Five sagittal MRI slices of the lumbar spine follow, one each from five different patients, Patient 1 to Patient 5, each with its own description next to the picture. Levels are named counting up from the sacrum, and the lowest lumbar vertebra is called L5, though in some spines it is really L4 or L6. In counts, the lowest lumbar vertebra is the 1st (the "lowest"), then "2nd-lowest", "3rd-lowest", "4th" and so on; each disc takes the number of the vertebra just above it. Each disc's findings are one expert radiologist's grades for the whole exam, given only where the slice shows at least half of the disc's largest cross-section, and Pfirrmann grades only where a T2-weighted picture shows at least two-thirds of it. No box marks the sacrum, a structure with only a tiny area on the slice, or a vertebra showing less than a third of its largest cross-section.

Patient 1 of 5:
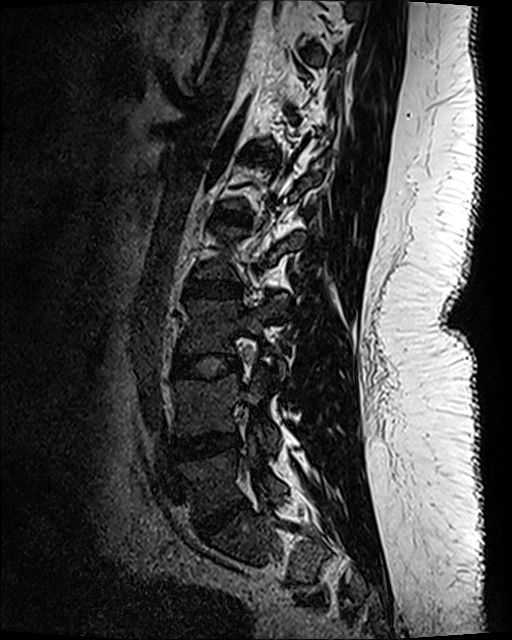 Slice 39/120; T2 SPACE (3D) sagittal MRI of the lumbar spine

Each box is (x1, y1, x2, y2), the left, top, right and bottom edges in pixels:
Lowest disc at (196, 499, 247, 534), 2nd-lowest vertebra at (176, 373, 280, 450), 3rd-lowest disc at (172, 354, 239, 378), 5th disc at (211, 207, 252, 227), 2nd-lowest disc at (173, 433, 238, 461), lowest vertebra at (179, 443, 286, 516), 3rd-lowest vertebra at (180, 300, 285, 377), 4th disc at (184, 277, 243, 299).

Per-level radiological findings:
• 2nd-lowest disc: Pfirrmann grade 3, disc bulging, disc narrowing
• lowest disc: disc bulging, disc narrowing
• 3rd-lowest disc: Pfirrmann grade 1
• 4th disc: Pfirrmann grade 1

Patient 2 of 5:
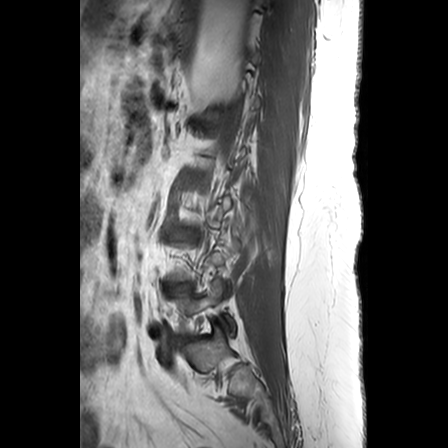

Image 448x448; Field of view 280x280 mm, slice spacing 3.3 mm; Sagittal T1-weighted lumbar spine MRI; Sagittal slice index 18; Patient sex: F

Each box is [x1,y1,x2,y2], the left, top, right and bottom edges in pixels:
L5 vertebra at [172,279,236,334], L4/L5 at [166,283,188,289], L3/L4 at [172,230,196,240].

Patient 3 of 5:
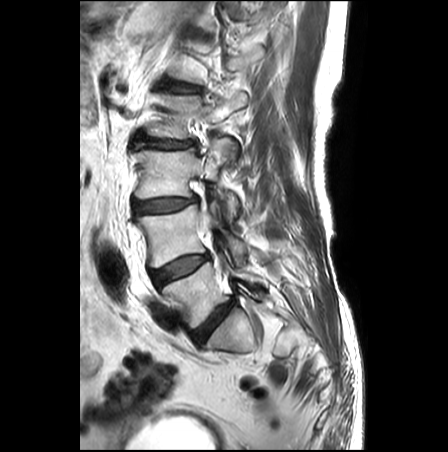
T2-weighted sagittal MRI of the lumbar spine. Slice 19 of 27.
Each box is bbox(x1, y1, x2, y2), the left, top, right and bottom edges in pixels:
{"L2/L3 (4th disc)": "bbox(138, 136, 195, 148)", "intervertebral disc L3/L4 (3rd-lowest disc)": "bbox(134, 197, 197, 214)", "L4/L5 (2nd-lowest disc)": "bbox(150, 254, 209, 286)", "L4 (2nd-lowest vertebra)": "bbox(137, 201, 247, 267)", "L1/L2 (5th disc)": "bbox(168, 81, 201, 92)", "L5 (lowest vertebra)": "bbox(162, 254, 268, 327)", "spinal canal": "bbox(200, 211, 209, 232)", "L3 (3rd-lowest vertebra)": "bbox(135, 138, 239, 221)", "intervertebral disc L5/S1 (lowest disc)": "bbox(191, 300, 234, 345)", "L2 (4th vertebra)": "bbox(147, 92, 246, 138)"}

Per-level radiological findings:
- L2/L3 (4th disc): disc bulging
- L4/L5 (2nd-lowest disc): Pfirrmann grade 3, disc bulging
- L5/S1 (lowest disc): disc bulging
- L3/L4 (3rd-lowest disc): Pfirrmann grade 3, disc narrowing, disc bulging

Patient 4 of 5:
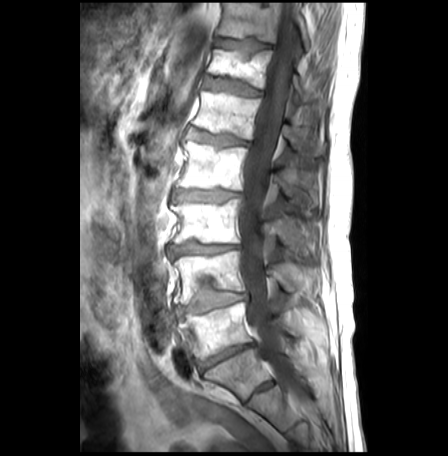 Sagittal slice index 16 | Patient sex: M | Sagittal T1-weighted lumbar spine MRI
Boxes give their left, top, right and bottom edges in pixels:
L4 (2nd-lowest vertebra) at left=173, top=252, right=313, bottom=305; T12 (6th vertebra) at left=208, top=50, right=309, bottom=101; L4/L5 (2nd-lowest disc) at left=174, top=287, right=249, bottom=315; L1/L2 (5th disc) at left=188, top=129, right=248, bottom=146; L2/L3 (4th disc) at left=174, top=191, right=241, bottom=202; T11 (7th vertebra) at left=216, top=3, right=311, bottom=51; L1 (5th vertebra) at left=193, top=91, right=324, bottom=156; T12/L1 (6th disc) at left=203, top=78, right=260, bottom=96; IVD L5/S1 (lowest disc) at left=198, top=343, right=253, bottom=372; T11/T12 (7th disc) at left=214, top=38, right=271, bottom=60; L2 (4th vertebra) at left=176, top=143, right=314, bottom=209; L3 (3rd-lowest vertebra) at left=170, top=199, right=315, bottom=254; L5 (lowest vertebra) at left=180, top=302, right=301, bottom=358; thecal sac / spinal canal at left=235, top=3, right=310, bottom=412; L3/L4 (3rd-lowest disc) at left=166, top=244, right=238, bottom=259.

Expert MSK radiologist gradings (per disc):
  T11/T12 (7th disc): lower-endplate change, Modic type II, upper-endplate change
  T12/L1 (6th disc): upper-endplate change, disc bulging, lower-endplate change, Modic type II
  L1/L2 (5th disc): disc bulging, upper-endplate change, lower-endplate change, Modic type II
  L3/L4 (3rd-lowest disc): Modic type II, disc bulging, disc narrowing, upper-endplate change, lower-endplate change
  L2/L3 (4th disc): disc narrowing, upper-endplate change, lower-endplate change, disc bulging, Modic type II
  L5/S1 (lowest disc): disc narrowing, Modic type II, disc bulging
  L4/L5 (2nd-lowest disc): Modic type II, disc bulging, upper-endplate change, lower-endplate change

Patient 5 of 5:
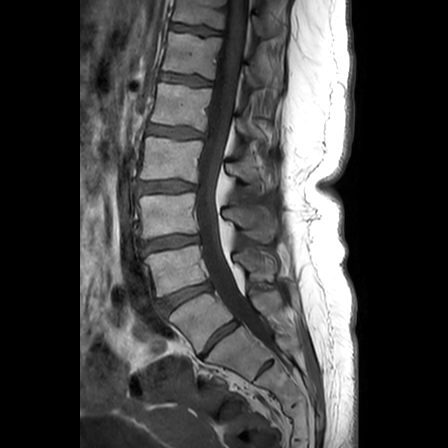 MRI lumbar spine (T1-weighted), sagittal plane, Field of view 280x280 mm, slice spacing 3.3 mm
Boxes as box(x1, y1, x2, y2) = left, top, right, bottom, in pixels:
{"4th vertebra": "box(140, 137, 275, 190)", "4th disc": "box(139, 181, 195, 192)", "2nd-lowest disc": "box(161, 283, 210, 313)", "7th disc": "box(171, 24, 220, 36)", "lowest disc": "box(202, 321, 237, 357)", "3rd-lowest disc": "box(141, 235, 199, 251)", "6th disc": "box(160, 73, 211, 85)", "7th vertebra": "box(172, 0, 287, 39)", "2nd-lowest vertebra": "box(145, 245, 276, 296)", "6th vertebra": "box(163, 32, 283, 90)", "spinal canal": "box(195, 0, 267, 341)", "5th disc": "box(148, 125, 204, 138)", "3rd-lowest vertebra": "box(137, 193, 277, 242)", "lowest vertebra": "box(170, 290, 285, 352)", "5th vertebra": "box(151, 83, 255, 135)"}

Radiological gradings:
• 7th disc: upper-endplate change, lower-endplate change
• 6th disc: upper-endplate change, lower-endplate change
• 3rd-lowest disc: upper-endplate change, disc bulging, lower-endplate change
• 2nd-lowest disc: disc bulging, disc narrowing
• 4th disc: upper-endplate change, lower-endplate change, disc bulging
• 5th disc: lower-endplate change, upper-endplate change, disc bulging
• lowest disc: no spondylolisthesis, narrowing, bulging, herniation, Modic or endplate change recorded